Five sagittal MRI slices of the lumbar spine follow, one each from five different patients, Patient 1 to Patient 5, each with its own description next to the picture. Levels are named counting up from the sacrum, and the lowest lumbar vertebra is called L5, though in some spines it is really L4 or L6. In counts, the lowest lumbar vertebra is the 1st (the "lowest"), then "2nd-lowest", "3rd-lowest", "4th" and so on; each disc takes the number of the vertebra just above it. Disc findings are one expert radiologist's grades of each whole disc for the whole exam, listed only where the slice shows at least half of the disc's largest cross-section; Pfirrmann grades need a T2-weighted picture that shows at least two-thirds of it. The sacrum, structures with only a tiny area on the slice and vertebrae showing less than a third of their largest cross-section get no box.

Patient 1 of 5:
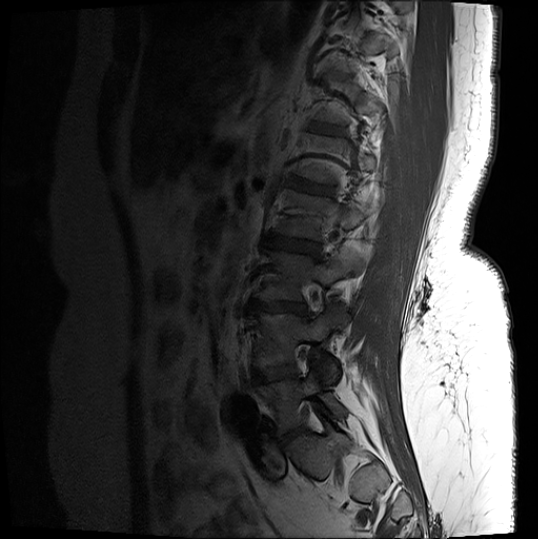 T1-weighted sagittal MRI of the lumbar spine
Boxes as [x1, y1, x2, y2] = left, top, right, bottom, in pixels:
Annotations:
• IVD L5/S1 at [279, 427, 304, 444]
• L2 vertebra at [275, 189, 380, 241]
• L4 at [253, 310, 342, 379]
• L5 at [255, 369, 346, 433]
• IVD L1/L2 at [290, 177, 333, 195]
• L3/L4 at [250, 300, 307, 312]
• L2/L3 at [264, 233, 320, 255]
• L4/L5 at [252, 365, 297, 383]
• L3 at [257, 249, 363, 311]
• T12/L1 at [309, 122, 343, 135]
• L1 at [292, 133, 376, 184]

Degenerative findings by level:
• L1/L2: Modic type II, upper-endplate change, lower-endplate change
• L3/L4: disc narrowing, Modic type II, lower-endplate change, upper-endplate change, disc bulging
• L4/L5: lower-endplate change, disc bulging, Modic type II
• L2/L3: upper-endplate change, disc bulging, lower-endplate change

Patient 2 of 5:
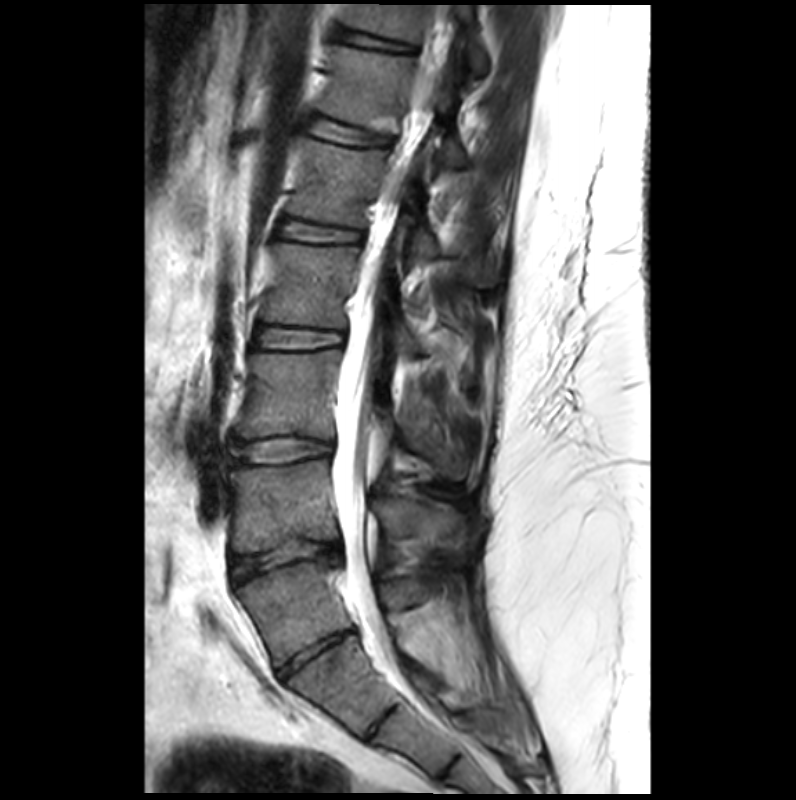 Slice spacing 3.4 mm. Lumbar spine MR, T2-weighted, sagittal.
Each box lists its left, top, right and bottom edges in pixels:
5th vertebra at left=286, top=138, right=438, bottom=257; 3rd-lowest vertebra at left=235, top=348, right=467, bottom=477; spinal canal at left=335, top=273, right=389, bottom=645; 2nd-lowest disc at left=231, top=541, right=339, bottom=580; lowest vertebra at left=238, top=561, right=432, bottom=666; 7th vertebra at left=342, top=5, right=486, bottom=74; 4th disc at left=253, top=328, right=341, bottom=348; 7th disc at left=336, top=28, right=411, bottom=51; 3rd-lowest disc at left=228, top=438, right=333, bottom=464; 6th disc at left=306, top=118, right=389, bottom=144; 6th vertebra at left=318, top=45, right=468, bottom=167; 4th vertebra at left=262, top=242, right=421, bottom=352; 2nd-lowest vertebra at left=227, top=460, right=453, bottom=552; lowest disc at left=280, top=632, right=353, bottom=676; 5th disc at left=277, top=219, right=360, bottom=242.

Degenerative findings by level:
  lowest disc: Pfirrmann grade 3, disc narrowing
  2nd-lowest disc: Pfirrmann grade 3, Modic type III, upper-endplate change, disc herniation, disc narrowing, spondylolisthesis, lower-endplate change
  7th disc: Pfirrmann grade 2, lower-endplate change
  6th disc: upper-endplate change, lower-endplate change
  3rd-lowest disc: Pfirrmann grade 2
  5th disc: lower-endplate change, upper-endplate change
  4th disc: Pfirrmann grade 2

Patient 3 of 5:
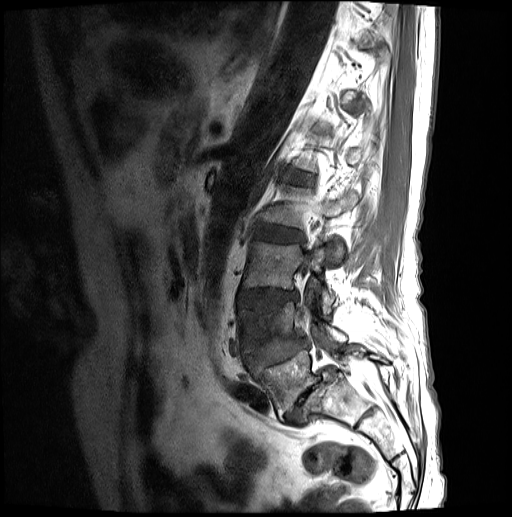 MRI lumbar spine (T1-weighted), sagittal plane. Sex M.
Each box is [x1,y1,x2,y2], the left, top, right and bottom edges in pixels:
L5/S1 (lowest disc) at [284,369,334,425].
L4 (2nd-lowest vertebra) at [238,294,347,353].
L2 (4th vertebra) at [261,184,357,262].
L2/L3 (4th disc) at [254,225,303,242].
L3 (3rd-lowest vertebra) at [243,242,334,314].
L4/L5 (2nd-lowest disc) at [244,337,309,368].
Disc L1/L2 (5th disc) at [285,172,312,184].
Disc L3/L4 (3rd-lowest disc) at [238,288,297,308].
L5 (lowest vertebra) at [249,348,388,416].

Per-level radiological findings:
- L3/L4 (3rd-lowest disc): upper-endplate change, disc bulging, lower-endplate change
- L2/L3 (4th disc): disc bulging
- L4/L5 (2nd-lowest disc): spondylolisthesis, lower-endplate change, upper-endplate change, disc narrowing, disc herniation
- L5/S1 (lowest disc): spondylolisthesis, Modic type II, disc narrowing, disc herniation

Patient 4 of 5:
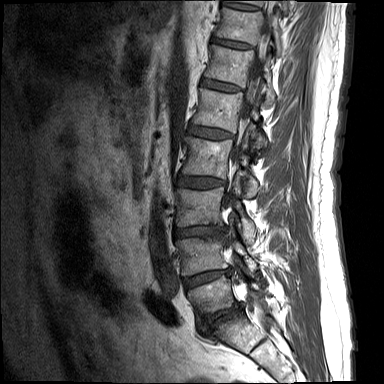 Slice 5/15; Sagittal T1-weighted lumbar spine MRI

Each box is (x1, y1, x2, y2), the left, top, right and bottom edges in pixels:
L4 vertebra at (176, 234, 257, 275), T12 vertebra at (205, 45, 274, 106), L5/S1 at (202, 303, 242, 323), L3/L4 at (174, 226, 226, 237), IVD L1/L2 at (188, 124, 232, 139), L5 at (188, 275, 265, 316), L3 vertebra at (176, 176, 256, 243), IVD L4/L5 at (183, 269, 230, 288), T12/L1 at (201, 78, 238, 90), L2/L3 at (178, 175, 224, 187), L1 vertebra at (192, 88, 266, 146), T10 vertebra at (236, 0, 288, 13), spinal canal at (236, 72, 268, 325), T10/T11 at (223, 2, 258, 9), T11 at (215, 7, 281, 53), L2 vertebra at (182, 132, 260, 196), T11/T12 at (212, 37, 251, 48).

Radiological gradings:
- L3/L4: lower-endplate change, upper-endplate change, disc narrowing, disc bulging
- L1/L2: upper-endplate change, disc bulging
- L4/L5: Modic type II, lower-endplate change, disc narrowing, upper-endplate change, disc bulging
- L2/L3: disc bulging
- L5/S1: lower-endplate change, disc bulging, Modic type II, disc narrowing, upper-endplate change
- T12/L1, T11/T12, T10/T11: no Modic or endplate change, herniation, narrowing, bulging or spondylolisthesis recorded

Patient 5 of 5:
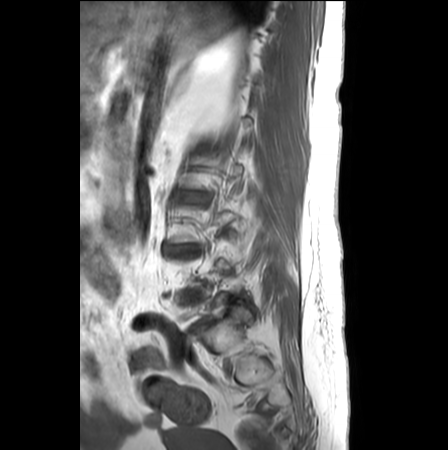

Lumbar spine MR, T1-weighted, sagittal. Patient sex: F. 448x450 px.
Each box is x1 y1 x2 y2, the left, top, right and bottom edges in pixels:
Intervertebral disc L2/L3: 186 193 204 200.
L3/L4: 172 245 194 252.